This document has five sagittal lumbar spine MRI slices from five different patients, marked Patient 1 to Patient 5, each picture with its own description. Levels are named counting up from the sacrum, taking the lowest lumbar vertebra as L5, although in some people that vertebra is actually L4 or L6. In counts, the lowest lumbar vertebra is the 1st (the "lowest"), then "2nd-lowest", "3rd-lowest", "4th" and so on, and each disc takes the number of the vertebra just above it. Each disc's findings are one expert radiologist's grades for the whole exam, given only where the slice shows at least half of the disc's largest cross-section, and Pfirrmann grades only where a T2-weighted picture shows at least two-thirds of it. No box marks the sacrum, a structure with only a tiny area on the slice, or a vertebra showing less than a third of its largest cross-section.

Patient 1 of 5:
Lumbar spine MR, T2 SPACE (3D), sagittal; 618x793 px; Field of view 240x308 mm, slice spacing 0.9 mm; Patient sex: M

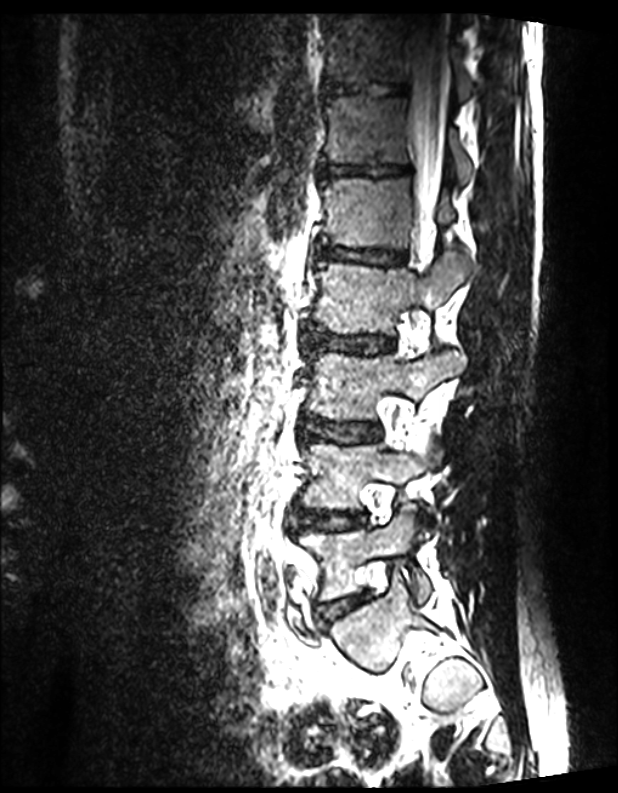
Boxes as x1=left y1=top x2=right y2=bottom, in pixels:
Structures:
* 7th disc — x1=324 y1=82 x2=407 y2=95
* 7th vertebra — x1=322 y1=14 x2=473 y2=100
* 5th disc — x1=315 y1=244 x2=406 y2=265
* 6th vertebra — x1=324 y1=95 x2=473 y2=184
* 3rd-lowest disc — x1=301 y1=418 x2=379 y2=442
* 4th disc — x1=303 y1=332 x2=394 y2=353
* thecal sac / spinal canal — x1=408 y1=22 x2=447 y2=256
* 6th disc — x1=318 y1=163 x2=410 y2=178
* 3rd-lowest vertebra — x1=309 y1=349 x2=464 y2=419
* 2nd-lowest disc — x1=294 y1=510 x2=366 y2=528
* lowest vertebra — x1=299 y1=505 x2=430 y2=601
* 5th vertebra — x1=322 y1=178 x2=452 y2=247
* 4th vertebra — x1=313 y1=251 x2=468 y2=334
* 2nd-lowest vertebra — x1=301 y1=438 x2=444 y2=510
* lowest disc — x1=320 y1=594 x2=366 y2=622

Per-level radiological findings:
• 5th disc: Pfirrmann grade 1
• 6th disc: Pfirrmann grade 1
• 4th disc: Pfirrmann grade 1
• 7th disc: Pfirrmann grade 1
• 3rd-lowest disc: no Modic or endplate change, herniation, narrowing, bulging or spondylolisthesis recorded

Patient 2 of 5:
Slice 17 of 31, Field of view 284x282 mm, slice spacing 3.3 mm, Lumbar spine MR, T1-weighted, sagittal, Sex F

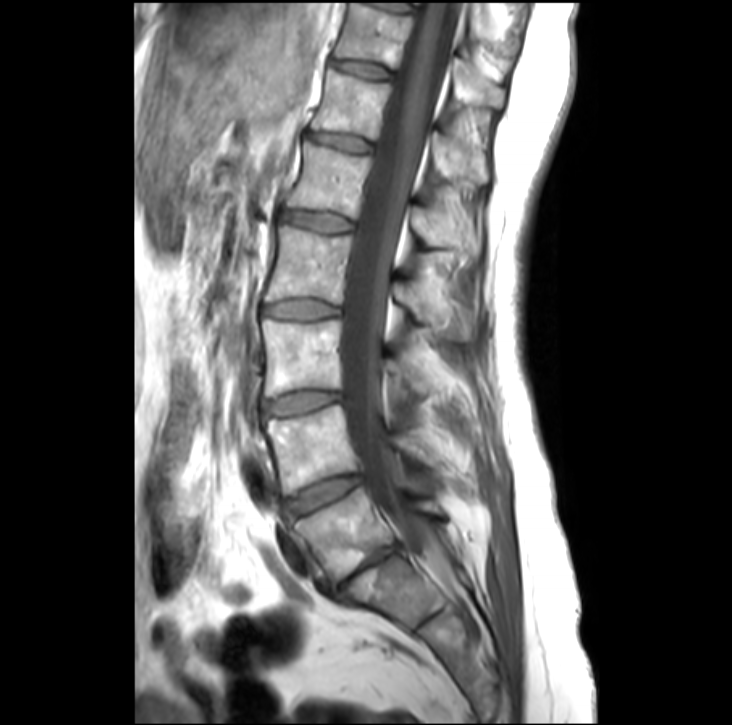 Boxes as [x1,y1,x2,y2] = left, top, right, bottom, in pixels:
{"L1/L2": "[279,212,351,233]", "thecal sac / spinal canal": "[341,0,456,574]", "intervertebral disc L4/L5": "[284,477,362,515]", "intervertebral disc T12/L1": "[304,133,368,153]", "T11": "[334,3,503,109]", "L1 vertebra": "[286,143,480,256]", "L5 vertebra": "[293,490,447,585]", "intervertebral disc L5/S1": "[335,547,396,595]", "T12 vertebra": "[309,69,486,180]", "intervertebral disc L2/L3": "[262,301,337,321]", "intervertebral disc T11/T12": "[329,60,387,79]", "L3/L4": "[266,393,340,416]", "L4": "[266,406,441,496]", "L3 vertebra": "[262,322,445,398]", "L2 vertebra": "[265,227,475,340]"}

Per-level radiological findings:
- L3/L4: disc bulging
- L5/S1: upper-endplate change, lower-endplate change, disc narrowing, Modic type II, disc bulging
- L4/L5: disc bulging
- T12/L1, L2/L3, L1/L2, T11/T12: no spondylolisthesis, narrowing, bulging, herniation, Modic or endplate change recorded

Patient 3 of 5:
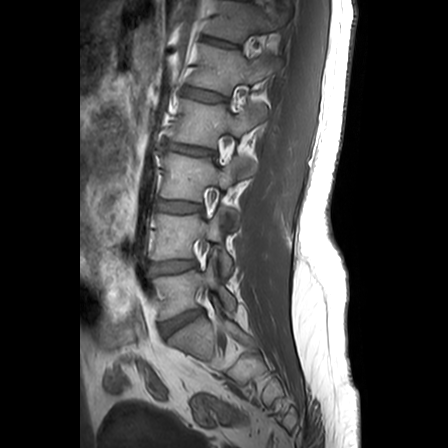 Sagittal T1-weighted lumbar spine MRI; 448x448 px; Slice 8 of 24

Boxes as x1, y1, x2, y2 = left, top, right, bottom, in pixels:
L1/L2 at 184, 88, 225, 101; L2 vertebra at 169, 99, 265, 170; L3 vertebra at 161, 153, 252, 201; intervertebral disc T12/L1 at 205, 38, 235, 47; L3/L4 at 157, 200, 201, 212; L5/S1 at 161, 311, 201, 334; L4/L5 at 152, 261, 195, 273; L4 at 152, 214, 231, 274; L1 at 189, 44, 280, 94; L2/L3 at 164, 142, 214, 155; L5 vertebra at 155, 261, 235, 319; T12 at 206, 0, 282, 42.

Degenerative findings by level:
• L2/L3: upper-endplate change, disc narrowing, lower-endplate change, disc bulging
• L4/L5: lower-endplate change
• T12/L1: upper-endplate change, lower-endplate change
• L5/S1: disc herniation
• L3/L4: upper-endplate change
• L1/L2: no Modic or endplate change, herniation, narrowing, bulging or spondylolisthesis recorded

Patient 4 of 5:
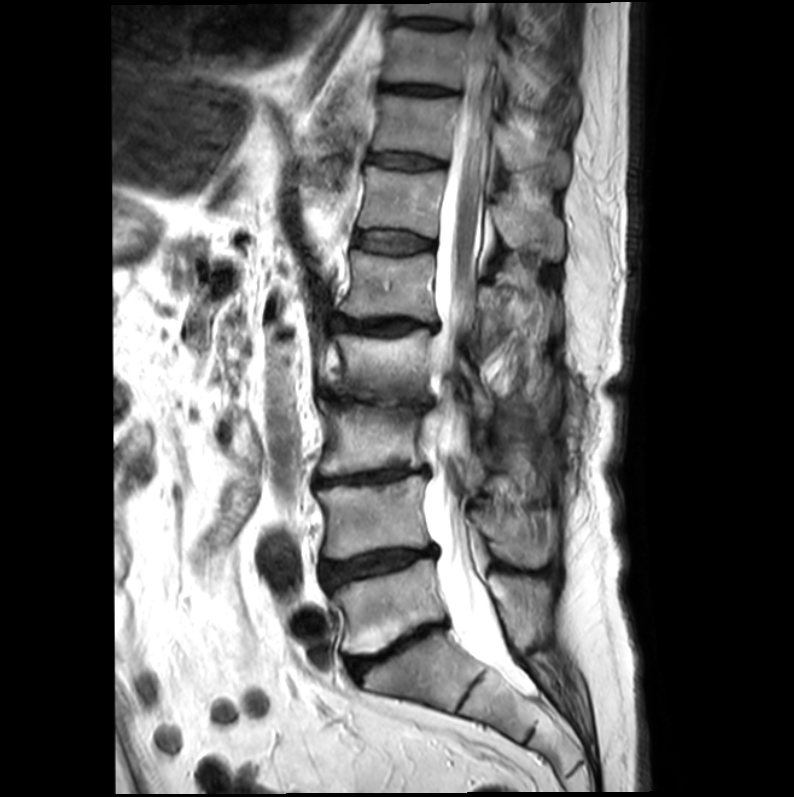

Field of view 308x309 mm; Patient sex: M; MRI lumbar spine (T2-weighted), sagittal plane
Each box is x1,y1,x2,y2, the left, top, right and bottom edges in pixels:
L2 vertebra: 329,329,493,417.
L4/L5: 320,546,435,589.
T10 vertebra: 384,28,517,92.
L5: 329,559,548,652.
L3 vertebra: 320,401,487,483.
Intervertebral disc T12/L1: 357,230,432,253.
L2/L3: 325,391,426,411.
Intervertebral disc L1/L2: 331,316,437,335.
Spinal canal: 422,3,511,672.
Intervertebral disc T9/T10: 392,18,458,28.
L3/L4: 315,467,424,487.
T11 vertebra: 373,94,567,186.
T9: 392,3,522,31.
L1: 340,250,553,343.
T12: 358,165,561,259.
Intervertebral disc T10/T11: 384,85,448,95.
L4: 316,475,553,567.
T11/T12: 371,153,442,169.
L5/S1: 348,624,444,676.

Expert MSK radiologist gradings (per disc):
- T9/T10: Pfirrmann grade 3
- L1/L2: Pfirrmann grade 4, disc bulging, disc narrowing, Modic type II, lower-endplate change, upper-endplate change
- T11/T12: Pfirrmann grade 3
- T10/T11: Pfirrmann grade 4
- T12/L1: Pfirrmann grade 3
- L2/L3: disc bulging, upper-endplate change, lower-endplate change, disc narrowing, Modic type II
- L5/S1: Pfirrmann grade 5, disc narrowing, disc bulging, upper-endplate change, lower-endplate change, Modic type II
- L4/L5: Pfirrmann grade 5, disc narrowing, Modic type II, upper-endplate change, lower-endplate change, disc bulging
- L3/L4: Pfirrmann grade 5, upper-endplate change, disc narrowing, disc bulging, Modic type II, lower-endplate change

Patient 5 of 5:
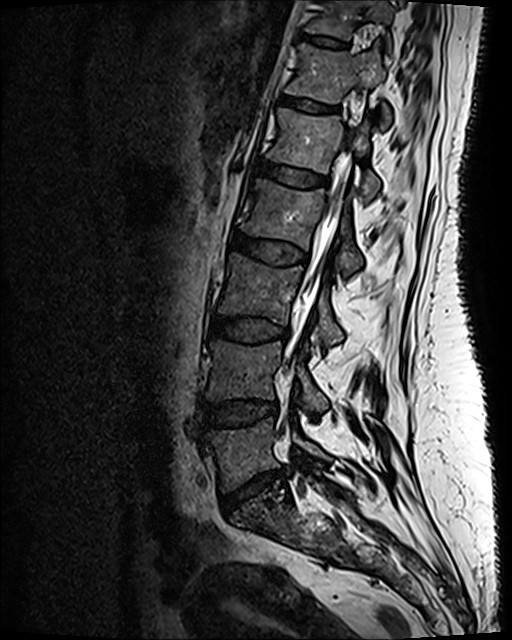 Slice 72 of 120; MRI lumbar spine (T2 SPACE (3D)), sagittal plane; Field of view 240x300 mm
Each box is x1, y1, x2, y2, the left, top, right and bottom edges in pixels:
T11/T12: 301, 35, 348, 48.
IVD L4/L5: 206, 402, 278, 426.
L3 vertebra: 219, 254, 342, 344.
L1/L2: 253, 160, 327, 187.
T11: 301, 0, 391, 39.
L2 vertebra: 238, 179, 361, 276.
T12/L1: 279, 96, 337, 112.
Thecal sac / spinal canal: 288, 154, 348, 368.
IVD L2/L3: 230, 233, 307, 264.
L3/L4: 210, 316, 288, 341.
L5 vertebra: 207, 419, 329, 489.
L1 vertebra: 267, 109, 379, 198.
L4 vertebra: 207, 340, 327, 416.
T12: 285, 44, 391, 124.
IVD L5/S1: 223, 473, 285, 506.

Degenerative findings by level:
  L4/L5: Pfirrmann grade 3, disc bulging
  L1/L2: Pfirrmann grade 2
  L2/L3: Pfirrmann grade 3, disc bulging
  L3/L4: Pfirrmann grade 3
  L5/S1: disc narrowing, upper-endplate change, lower-endplate change, disc herniation
  T11/T12, T12/L1: no spondylolisthesis, narrowing, bulging, herniation, Modic or endplate change recorded